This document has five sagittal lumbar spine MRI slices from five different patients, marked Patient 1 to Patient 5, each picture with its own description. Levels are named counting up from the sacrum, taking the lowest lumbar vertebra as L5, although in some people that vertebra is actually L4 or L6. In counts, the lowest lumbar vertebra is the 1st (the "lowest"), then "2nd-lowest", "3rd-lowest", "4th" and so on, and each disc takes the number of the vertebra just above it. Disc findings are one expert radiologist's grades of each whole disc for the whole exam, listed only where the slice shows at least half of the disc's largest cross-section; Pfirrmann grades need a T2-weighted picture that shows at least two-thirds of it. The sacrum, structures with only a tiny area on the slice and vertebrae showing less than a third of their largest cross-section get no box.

Patient 1 of 5:
512x521 px, Scanner: SIEMENS Avanto_fit (1.5T), Sagittal slice index 21, Lumbar spine MR, T2-weighted, sagittal, Field of view 300x305 mm, slice spacing 3.2 mm 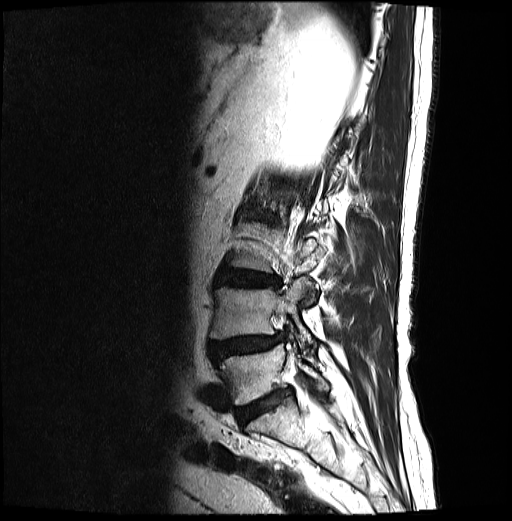 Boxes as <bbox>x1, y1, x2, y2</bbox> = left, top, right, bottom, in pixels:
Segmented structures:
• L4 vertebra = <bbox>210, 277, 316, 347</bbox>
• L5 vertebra = <bbox>219, 345, 328, 405</bbox>
• intervertebral disc L4/L5 = <bbox>210, 335, 283, 360</bbox>
• L5/S1 = <bbox>236, 389, 290, 423</bbox>
• intervertebral disc L3/L4 = <bbox>215, 270, 280, 287</bbox>

Degenerative findings by level:
  L4/L5: Pfirrmann grade 4, lower-endplate change, disc bulging, disc narrowing, upper-endplate change, Modic type II, spondylolisthesis, disc herniation
  L3/L4: Pfirrmann grade 4, disc bulging, upper-endplate change, lower-endplate change
  L5/S1: Pfirrmann grade 4

Patient 2 of 5:
Sagittal T2 SPACE (3D) lumbar spine MRI 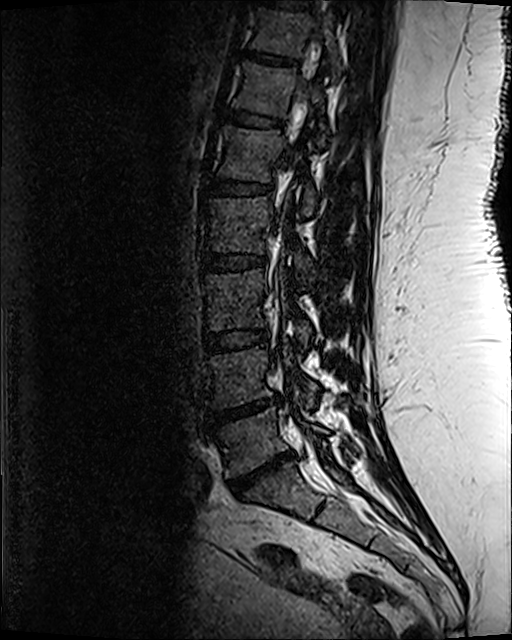

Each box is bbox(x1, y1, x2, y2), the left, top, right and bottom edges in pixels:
Disc L5/S1 = bbox(227, 454, 291, 496).
L3/L4 = bbox(204, 330, 268, 351).
L2 vertebra = bbox(203, 197, 312, 274).
L4/L5 = bbox(212, 402, 267, 423).
T10/T11 = bbox(259, 0, 312, 8).
L4 vertebra = bbox(210, 345, 317, 407).
T11 vertebra = bbox(251, 9, 341, 75).
L1/L2 = bbox(206, 178, 270, 194).
L5 = bbox(218, 407, 327, 476).
Disc L2/L3 = bbox(201, 254, 265, 272).
L1 vertebra = bbox(217, 126, 316, 213).
L3 vertebra = bbox(206, 270, 312, 346).
Disc T12/L1 = bbox(223, 109, 282, 127).
Spinal canal = bbox(269, 36, 327, 478).
T12 vertebra = bbox(233, 63, 328, 140).
T11/T12 = bbox(244, 51, 296, 65).

Radiological gradings:
  T11/T12: Pfirrmann grade 3, lower-endplate change
  T12/L1: Pfirrmann grade 3
  L3/L4: Pfirrmann grade 3
  L1/L2: Pfirrmann grade 3, lower-endplate change
  L5/S1: Pfirrmann grade 5, Modic type II, upper-endplate change, disc narrowing, lower-endplate change, disc herniation
  L2/L3: Pfirrmann grade 3, lower-endplate change, upper-endplate change

Patient 3 of 5:
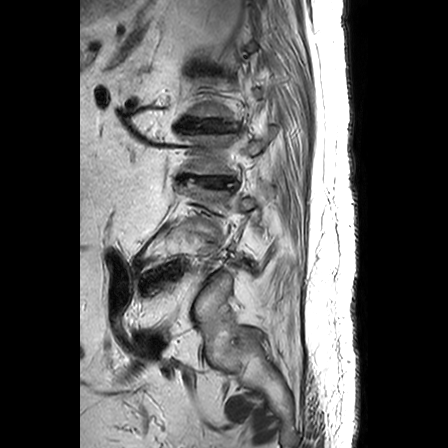 Image 448x448, Sex M, MRI lumbar spine (T2-weighted), sagittal plane

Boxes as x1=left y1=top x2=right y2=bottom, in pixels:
Segmented structures:
* 5th disc: x1=182 y1=121 x2=226 y2=130
* 4th vertebra: x1=181 y1=127 x2=274 y2=174
* 4th disc: x1=179 y1=174 x2=233 y2=186

Expert MSK radiologist gradings (per disc):
- 4th disc: Pfirrmann grade 4, disc narrowing, disc bulging
- 5th disc: disc bulging, disc narrowing

Patient 4 of 5:
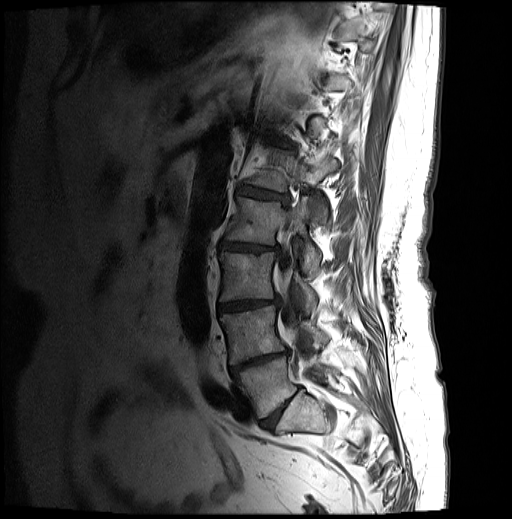
Sagittal T1-weighted lumbar spine MRI.
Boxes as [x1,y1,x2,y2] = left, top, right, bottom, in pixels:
• L1 vertebra = [245,149,337,222]
• L1/L2 = [238,187,288,205]
• L2 = [225,197,320,272]
• L4/L5 = [230,350,288,372]
• L4 = [220,306,328,364]
• L3 = [219,252,317,311]
• spinal canal = [277,230,303,358]
• L5 vertebra = [234,354,334,417]
• IVD L2/L3 = [220,242,277,251]
• IVD L5/S1 = [260,397,293,429]
• L3/L4 = [218,299,278,312]

Expert MSK radiologist gradings (per disc):
- L4/L5: disc narrowing, disc bulging, upper-endplate change, lower-endplate change, Modic type II
- L2/L3: disc narrowing, Modic type II, lower-endplate change, disc bulging, upper-endplate change
- L3/L4: upper-endplate change, Modic type II, lower-endplate change, disc bulging, disc narrowing
- L1/L2: disc bulging, upper-endplate change, disc narrowing, lower-endplate change, Modic type II

Patient 5 of 5:
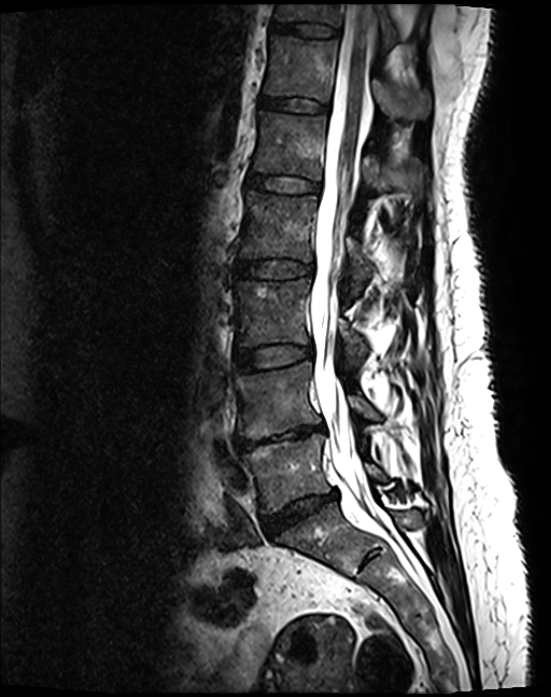 MRI lumbar spine (T2 SPACE (3D)), sagittal plane | Patient sex: F
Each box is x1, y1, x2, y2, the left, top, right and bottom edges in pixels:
L2 vertebra: 238, 191, 416, 295.
L3: 235, 280, 367, 365.
L1/L2: 248, 175, 319, 192.
L5: 243, 434, 385, 512.
Intervertebral disc L3/L4: 236, 344, 312, 371.
Intervertebral disc L5/S1: 263, 492, 337, 535.
T11: 276, 4, 398, 50.
T11/T12: 272, 22, 338, 36.
Thecal sac / spinal canal: 310, 4, 378, 516.
T12 vertebra: 265, 35, 429, 118.
L4 vertebra: 235, 362, 379, 439.
T12/L1: 259, 96, 327, 112.
L2/L3: 236, 260, 312, 279.
L4/L5: 235, 426, 323, 451.
L1: 253, 111, 422, 199.

Degenerative findings by level:
- L2/L3: Pfirrmann grade 2
- L4/L5: Pfirrmann grade 5, disc bulging, disc narrowing, upper-endplate change, lower-endplate change, Modic type II
- T12/L1: Pfirrmann grade 2
- L3/L4: Pfirrmann grade 2
- T11/T12: Pfirrmann grade 2
- L1/L2: Pfirrmann grade 2
- L5/S1: Pfirrmann grade 4, disc narrowing, disc bulging